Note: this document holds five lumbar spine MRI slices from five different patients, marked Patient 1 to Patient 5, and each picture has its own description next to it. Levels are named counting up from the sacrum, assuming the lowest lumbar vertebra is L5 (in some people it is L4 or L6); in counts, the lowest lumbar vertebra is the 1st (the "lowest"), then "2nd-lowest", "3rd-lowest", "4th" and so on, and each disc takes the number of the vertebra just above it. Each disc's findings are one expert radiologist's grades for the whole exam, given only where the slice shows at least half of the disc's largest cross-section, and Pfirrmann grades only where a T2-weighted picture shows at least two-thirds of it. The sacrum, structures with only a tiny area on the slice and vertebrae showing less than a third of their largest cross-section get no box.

Patient 1 of 5:
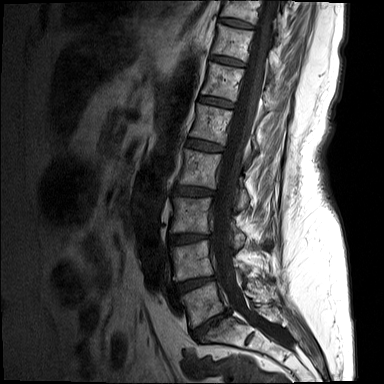

Sagittal T1-weighted lumbar spine MRI. 384x384 px. Patient sex: F. Sagittal slice index 6.
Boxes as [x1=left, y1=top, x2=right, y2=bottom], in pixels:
T11 at [x1=212, y1=24, x2=282, y2=76], L3/L4 at [x1=169, y1=233, x2=206, y2=245], T12 vertebra at [x1=202, y1=62, x2=267, y2=111], L2 vertebra at [x1=179, y1=149, x2=249, y2=209], L3 at [x1=169, y1=197, x2=245, y2=248], L1 vertebra at [x1=191, y1=104, x2=259, y2=152], disc T11/T12 at [x1=211, y1=55, x2=244, y2=66], L5/S1 at [x1=192, y1=308, x2=230, y2=339], L5 vertebra at [x1=180, y1=281, x2=271, y2=327], spinal canal at [x1=211, y1=0, x2=289, y2=346], L4 at [x1=170, y1=240, x2=248, y2=280], T10 at [x1=222, y1=0, x2=281, y2=31], disc L2/L3 at [x1=174, y1=186, x2=214, y2=196], disc T10/T11 at [x1=220, y1=18, x2=253, y2=28], disc L1/L2 at [x1=187, y1=139, x2=223, y2=151], L4/L5 at [x1=175, y1=276, x2=216, y2=293], T12/L1 at [x1=200, y1=96, x2=234, y2=108].

Expert MSK radiologist gradings (per disc):
• L4/L5: disc narrowing, disc bulging
• L5/S1: disc bulging, Modic type II, disc narrowing
• L2/L3: disc bulging, Modic type II
• L3/L4: disc narrowing, disc bulging
• L1/L2: Modic type II
• T12/L1, T11/T12, T10/T11: no Modic or endplate change, herniation, narrowing, bulging or spondylolisthesis recorded

Patient 2 of 5:
T2 SPACE (3D) sagittal MRI of the lumbar spine | SIEMENS Avanto_fit (1.5T)
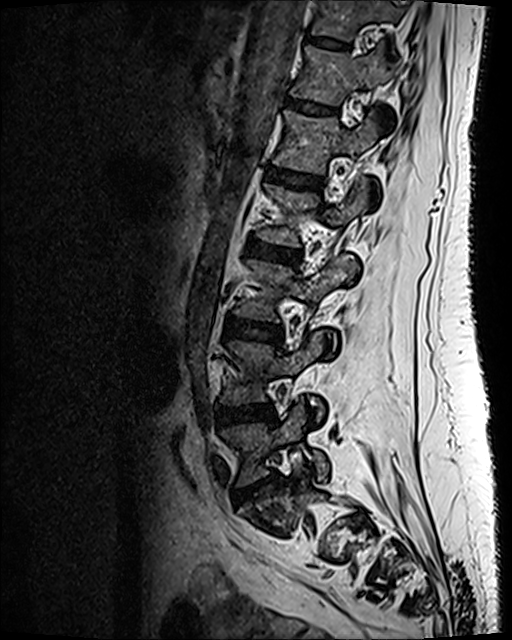
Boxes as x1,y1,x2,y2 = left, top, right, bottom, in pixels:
{"L2": "258,180,367,247", "L1/L2": "268,169,321,189", "L5 vertebra": "222,403,329,485", "L3 vertebra": "235,254,354,343", "L4 vertebra": "221,332,322,417", "T11": "313,0,403,42", "intervertebral disc L3/L4": "225,319,282,341", "L2/L3": "247,241,298,264", "intervertebral disc T12/L1": "287,99,336,114", "T12": "290,46,393,104", "T11/T12": "309,37,346,49", "intervertebral disc L5/S1": "235,476,274,501", "L1": "273,110,376,173", "intervertebral disc L4/L5": "216,405,274,425"}

Expert MSK radiologist gradings (per disc):
• L3/L4, T12/L1, L1/L2: no herniation, bulging, narrowing, spondylolisthesis, endplate or Modic change recorded

Patient 3 of 5:
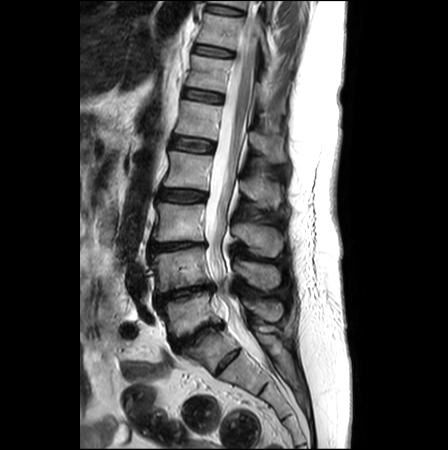 Slice 13 of 26, Lumbar spine MR, T2-weighted, sagittal, Patient sex: F
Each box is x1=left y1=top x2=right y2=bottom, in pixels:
Structures:
* L3/L4 — x1=149 y1=241 x2=206 y2=251
* T10 — x1=210 y1=0 x2=273 y2=10
* L3 vertebra — x1=153 y1=202 x2=283 y2=257
* L1 — x1=175 y1=100 x2=286 y2=162
* L4/L5 — x1=156 y1=283 x2=215 y2=305
* IVD L1/L2 — x1=172 y1=136 x2=214 y2=152
* L2/L3 — x1=160 y1=189 x2=206 y2=201
* L5 — x1=159 y1=292 x2=282 y2=336
* T12 — x1=186 y1=55 x2=285 y2=113
* T12/L1 — x1=184 y1=90 x2=223 y2=102
* L2 — x1=164 y1=151 x2=282 y2=206
* IVD L5/S1 — x1=173 y1=323 x2=223 y2=351
* IVD T10/T11 — x1=208 y1=4 x2=241 y2=14
* L4 — x1=149 y1=247 x2=280 y2=292
* T11/T12 — x1=194 y1=44 x2=232 y2=56
* thecal sac / spinal canal — x1=205 y1=1 x2=263 y2=360
* T11 vertebra — x1=198 y1=13 x2=270 y2=62

Radiological gradings:
• T12/L1: Pfirrmann grade 2
• T10/T11: Pfirrmann grade 1
• L5/S1: Pfirrmann grade 5, Modic type II, disc narrowing, upper-endplate change, lower-endplate change, disc bulging
• L2/L3: Pfirrmann grade 3, disc bulging
• T11/T12: Pfirrmann grade 1
• L4/L5: Pfirrmann grade 5, disc bulging, disc narrowing
• L1/L2: Pfirrmann grade 2
• L3/L4: Pfirrmann grade 4, disc narrowing, disc bulging, upper-endplate change, lower-endplate change

Patient 4 of 5:
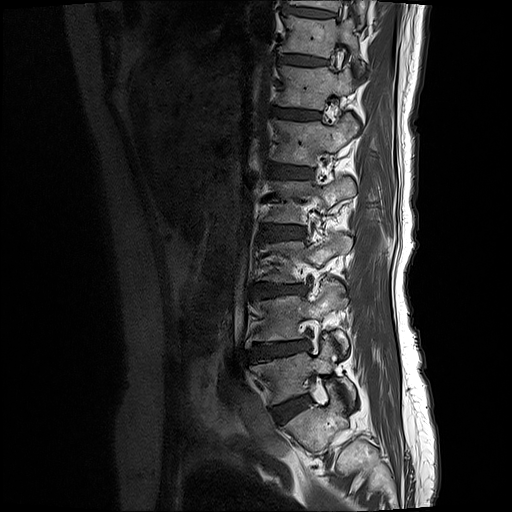 Field of view 300x300 mm, slice spacing 3.3 mm, Image 512x512, Lumbar spine MR, T1-weighted, sagittal

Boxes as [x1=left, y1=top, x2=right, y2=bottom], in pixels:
8th vertebra = [x1=291, y1=0, x2=366, y2=26].
7th vertebra = [x1=283, y1=16, x2=358, y2=57].
Lowest vertebra = [x1=252, y1=337, x2=356, y2=404].
2nd-lowest disc = [x1=251, y1=341, x2=310, y2=357].
4th disc = [x1=265, y1=225, x2=304, y2=239].
6th disc = [x1=274, y1=107, x2=319, y2=119].
Lowest disc = [x1=282, y1=397, x2=309, y2=418].
5th disc = [x1=271, y1=164, x2=312, y2=178].
8th disc = [x1=283, y1=7, x2=334, y2=17].
3rd-lowest disc = [x1=253, y1=282, x2=303, y2=295].
5th vertebra = [x1=274, y1=113, x2=362, y2=166].
2nd-lowest vertebra = [x1=247, y1=283, x2=349, y2=349].
7th disc = [x1=279, y1=55, x2=324, y2=63].
6th vertebra = [x1=278, y1=64, x2=358, y2=109].
4th vertebra = [x1=268, y1=178, x2=357, y2=222].

Degenerative findings by level:
- 4th disc: upper-endplate change, lower-endplate change, Modic type II, disc bulging
- 2nd-lowest disc: upper-endplate change, lower-endplate change, disc bulging, disc narrowing, Modic type II
- 3rd-lowest disc: lower-endplate change, upper-endplate change, disc bulging, disc narrowing, Modic type II
- 7th disc: Modic type II, upper-endplate change, lower-endplate change
- 6th disc: lower-endplate change, upper-endplate change, Modic type II
- 5th disc: lower-endplate change, Modic type II, upper-endplate change
- 8th disc: upper-endplate change, lower-endplate change

Patient 5 of 5:
Sagittal T2 SPACE (3D) lumbar spine MRI; Image 512x640; Sex M; Slice 85 of 120

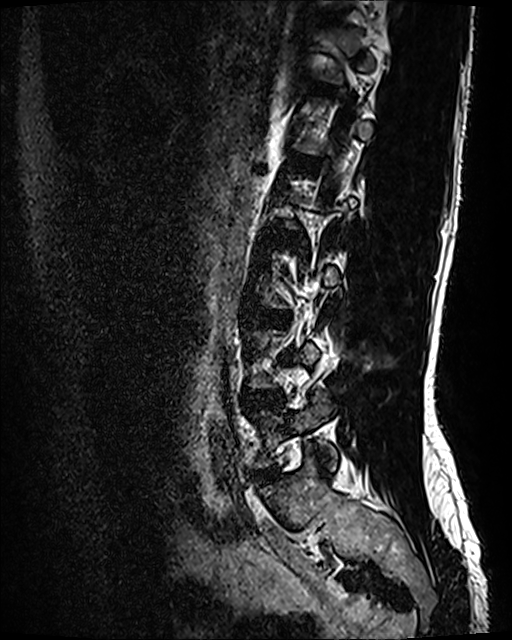
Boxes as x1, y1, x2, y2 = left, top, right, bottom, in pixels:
IVD L3/L4 at 254, 310, 288, 323.
IVD T12/L1 at 314, 84, 331, 92.
L5 at 253, 394, 337, 467.
IVD L4/L5 at 245, 391, 278, 403.
L5/S1 at 259, 470, 270, 479.
IVD L1/L2 at 295, 157, 321, 169.
L2/L3 at 276, 234, 298, 242.